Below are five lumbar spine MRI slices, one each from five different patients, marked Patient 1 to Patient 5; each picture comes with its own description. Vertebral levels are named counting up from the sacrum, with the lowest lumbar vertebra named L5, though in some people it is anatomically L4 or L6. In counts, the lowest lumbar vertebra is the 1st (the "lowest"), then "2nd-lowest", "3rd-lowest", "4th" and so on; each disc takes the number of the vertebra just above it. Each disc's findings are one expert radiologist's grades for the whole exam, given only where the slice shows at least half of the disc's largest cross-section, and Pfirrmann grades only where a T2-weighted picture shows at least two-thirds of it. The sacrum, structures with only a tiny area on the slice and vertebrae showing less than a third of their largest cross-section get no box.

Patient 1 of 5:
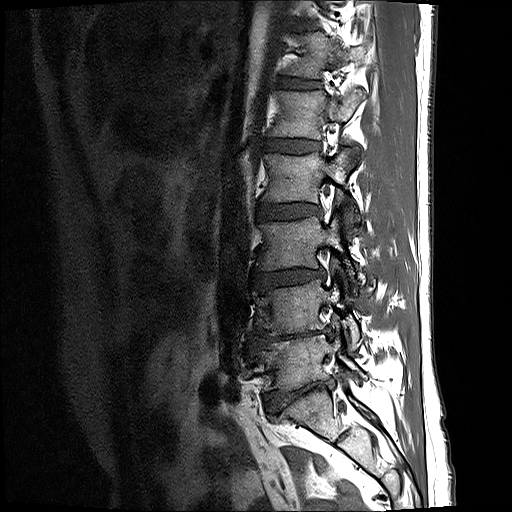

Patient sex: M; Lumbar spine MR, T1-weighted, sagittal
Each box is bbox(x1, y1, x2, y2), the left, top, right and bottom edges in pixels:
L4 vertebra: bbox(254, 280, 359, 349).
L1 vertebra: bbox(271, 89, 365, 138).
L3/L4: bbox(252, 269, 323, 289).
L5: bbox(261, 335, 367, 391).
L2: bbox(263, 147, 361, 224).
Intervertebral disc T12/L1: bbox(283, 79, 319, 88).
Intervertebral disc L5/S1: bbox(266, 382, 332, 413).
L4/L5: bbox(257, 330, 328, 348).
Intervertebral disc L1/L2: bbox(265, 139, 318, 153).
T12: bbox(292, 32, 365, 78).
L3: bbox(258, 217, 360, 293).
Intervertebral disc L2/L3: bbox(257, 204, 319, 219).

Radiological gradings:
  L5/S1: lower-endplate change, disc bulging, disc narrowing, spondylolisthesis
  L3/L4: disc narrowing, disc bulging
  T12/L1, L1/L2, L2/L3: no spondylolisthesis, narrowing, bulging, herniation, Modic or endplate change recorded

Patient 2 of 5:
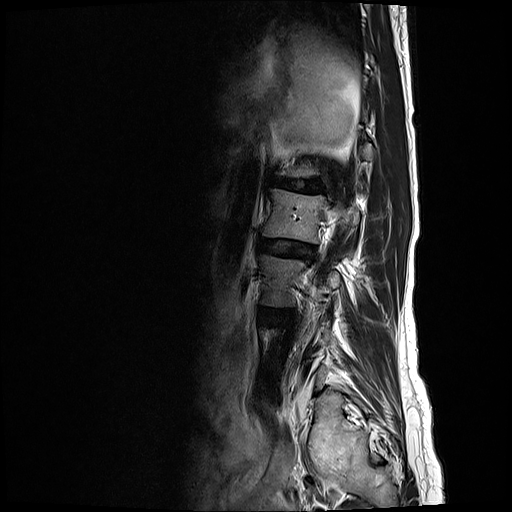 Sagittal T2-weighted lumbar spine MRI

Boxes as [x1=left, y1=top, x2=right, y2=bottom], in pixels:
L3/L4 at [x1=260, y1=308, x2=289, y2=321].
L3 at [x1=259, y1=255, x2=339, y2=306].
L2 vertebra at [x1=262, y1=189, x2=359, y2=243].
L2/L3 at [x1=258, y1=239, x2=316, y2=258].
Disc L1/L2 at [x1=274, y1=177, x2=322, y2=192].

Per-level radiological findings:
- L2/L3: Pfirrmann grade 3, disc bulging, disc narrowing
- L1/L2: Pfirrmann grade 5, upper-endplate change, Modic type II, disc bulging, disc narrowing, lower-endplate change

Patient 3 of 5:
Slice 3 of 17, Sagittal T1-weighted lumbar spine MRI, Sex F, Image 512x512 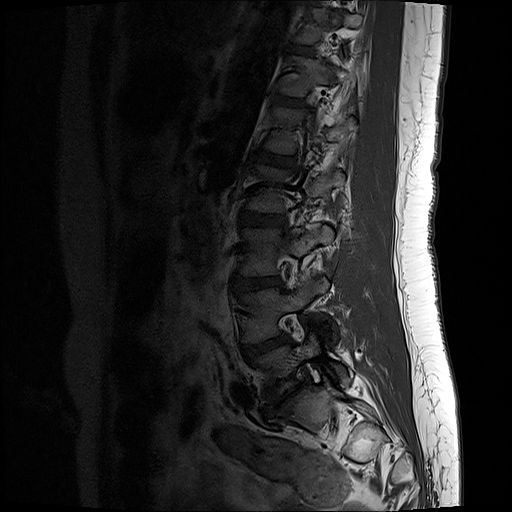
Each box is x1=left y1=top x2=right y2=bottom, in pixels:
Structures:
* disc L3/L4 (3rd-lowest disc): x1=232 y1=277 x2=282 y2=292
* L4 (2nd-lowest vertebra): x1=240 y1=276 x2=327 y2=342
* T12/L1 (6th disc): x1=273 y1=95 x2=304 y2=105
* L1/L2 (5th disc): x1=255 y1=150 x2=294 y2=165
* disc L4/L5 (2nd-lowest disc): x1=242 y1=334 x2=291 y2=359
* L5 (lowest vertebra): x1=255 y1=334 x2=350 y2=403
* L3 (3rd-lowest vertebra): x1=238 y1=224 x2=332 y2=275
* L5/S1 (lowest disc): x1=262 y1=390 x2=295 y2=416
* T12 (6th vertebra): x1=280 y1=55 x2=354 y2=95
* L1 (5th vertebra): x1=265 y1=107 x2=354 y2=153
* T11/T12 (7th disc): x1=288 y1=46 x2=310 y2=50
* L2 (4th vertebra): x1=247 y1=166 x2=343 y2=212
* L2/L3 (4th disc): x1=240 y1=211 x2=286 y2=224

Per-level radiological findings:
  L3/L4 (3rd-lowest disc): disc bulging
  L4/L5 (2nd-lowest disc): disc bulging
  L1/L2 (5th disc), L2/L3 (4th disc), T12/L1 (6th disc): no Modic or endplate change, herniation, narrowing, bulging or spondylolisthesis recorded

Patient 4 of 5:
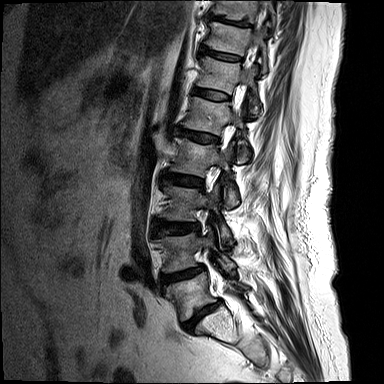
Lumbar spine MR, T2-weighted, sagittal; 384x384 px; Slice 5/15; Patient sex: F

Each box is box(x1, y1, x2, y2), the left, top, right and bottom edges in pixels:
- L4/L5 (2nd-lowest disc): box(161, 265, 204, 283)
- L2 (4th vertebra): box(171, 138, 238, 208)
- IVD T11/T12 (7th disc): box(201, 46, 241, 61)
- L1 (5th vertebra): box(183, 97, 249, 164)
- L3/L4 (3rd-lowest disc): box(156, 221, 199, 235)
- L5/S1 (lowest disc): box(183, 300, 221, 330)
- L3 (3rd-lowest vertebra): box(161, 185, 232, 243)
- T12 (6th vertebra): box(197, 56, 261, 114)
- T11 (7th vertebra): box(205, 22, 267, 72)
- IVD T12/L1 (6th disc): box(193, 88, 228, 99)
- T10/T11 (8th disc): box(205, 14, 249, 26)
- L1/L2 (5th disc): box(176, 127, 218, 142)
- L5 (lowest vertebra): box(166, 272, 248, 320)
- T10 (8th vertebra): box(210, 0, 276, 30)
- IVD L2/L3 (4th disc): box(163, 174, 202, 187)
- L4 (2nd-lowest vertebra): box(155, 228, 235, 271)

Radiological gradings:
- L1/L2 (5th disc): Pfirrmann grade 3, disc bulging
- L4/L5 (2nd-lowest disc): Pfirrmann grade 4, disc narrowing, disc bulging, Modic type II, upper-endplate change, lower-endplate change
- L3/L4 (3rd-lowest disc): Pfirrmann grade 3, disc bulging
- T12/L1 (6th disc): Pfirrmann grade 2, Modic type II
- L5/S1 (lowest disc): Pfirrmann grade 5, lower-endplate change, upper-endplate change, disc narrowing, Modic type II, disc bulging
- L2/L3 (4th disc): Pfirrmann grade 3, disc bulging
- T11/T12 (7th disc): Pfirrmann grade 2, upper-endplate change, Modic type II
- T10/T11 (8th disc): Pfirrmann grade 5, disc narrowing, lower-endplate change, Modic type II

Patient 5 of 5:
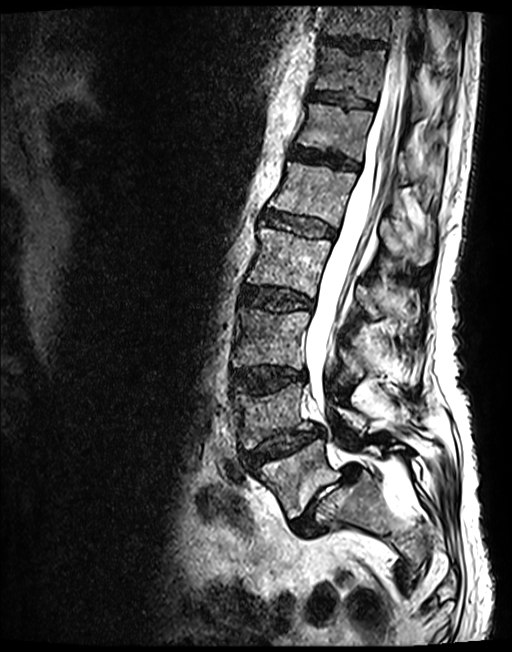
Image 512x652. Sagittal T2 SPACE (3D) lumbar spine MRI. Sagittal slice index 66. Field of view 240x306 mm.
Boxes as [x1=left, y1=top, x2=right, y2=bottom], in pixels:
T10 vertebra at [x1=324, y1=6, x2=425, y2=40], disc T11/T12 at [x1=310, y1=91, x2=372, y2=107], T12 at [x1=298, y1=104, x2=408, y2=184], disc L3/L4 at [x1=231, y1=367, x2=305, y2=393], T11 at [x1=316, y1=47, x2=420, y2=117], L2/L3 at [x1=242, y1=287, x2=311, y2=309], disc L1/L2 at [x1=264, y1=212, x2=334, y2=237], disc T10/T11 at [x1=321, y1=35, x2=384, y2=49], spinal canal at [x1=305, y1=23, x2=406, y2=470], L3 at [x1=232, y1=307, x2=408, y2=375], L5/S1 at [x1=291, y1=465, x2=358, y2=535], L1 vertebra at [x1=269, y1=162, x2=431, y2=264], L5 vertebra at [x1=254, y1=439, x2=412, y2=518], L2 vertebra at [x1=248, y1=226, x2=420, y2=326], T12/L1 at [x1=291, y1=147, x2=358, y2=170], L4 vertebra at [x1=232, y1=385, x2=407, y2=449], disc L4/L5 at [x1=243, y1=428, x2=322, y2=468].

Per-level radiological findings:
  L2/L3: Pfirrmann grade 3, disc bulging
  T12/L1: Pfirrmann grade 3
  L1/L2: Pfirrmann grade 3
  L5/S1: Pfirrmann grade 5, Modic type II, spondylolisthesis, disc narrowing, disc herniation
  L4/L5: Pfirrmann grade 3, upper-endplate change, spondylolisthesis, lower-endplate change, disc narrowing, disc herniation
  L3/L4: Pfirrmann grade 3, lower-endplate change, upper-endplate change, disc bulging
  T11/T12: Pfirrmann grade 3
  T10/T11: Pfirrmann grade 3